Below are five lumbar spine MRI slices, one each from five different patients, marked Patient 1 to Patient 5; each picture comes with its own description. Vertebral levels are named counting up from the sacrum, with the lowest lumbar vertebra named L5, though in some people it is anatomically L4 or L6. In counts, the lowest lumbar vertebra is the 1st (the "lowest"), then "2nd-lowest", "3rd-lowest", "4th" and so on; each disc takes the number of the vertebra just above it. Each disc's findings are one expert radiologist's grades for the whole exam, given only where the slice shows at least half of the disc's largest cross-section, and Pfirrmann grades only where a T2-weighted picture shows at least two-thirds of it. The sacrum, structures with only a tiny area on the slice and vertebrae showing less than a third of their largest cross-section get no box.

Patient 1 of 5:
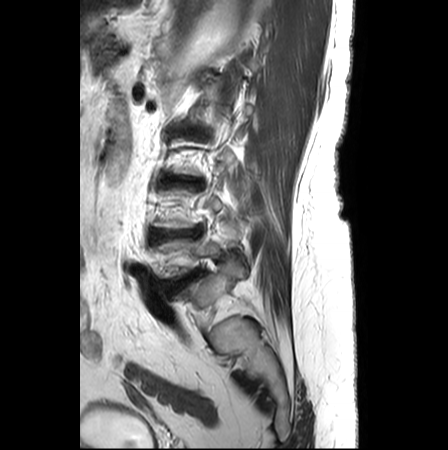

MRI lumbar spine (T2-weighted), sagittal plane, Patient sex: F, Image 448x450, Field of view 280x281 mm

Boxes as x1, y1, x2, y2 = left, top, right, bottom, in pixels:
- L3/L4 at 167, 177, 200, 186
- L5 vertebra at 152, 239, 221, 279
- L5/S1 at 163, 270, 201, 294
- L4/L5 at 150, 227, 202, 242

Degenerative findings by level:
- L4/L5: Pfirrmann grade 3, upper-endplate change, disc bulging, Modic type II, lower-endplate change, disc narrowing
- L5/S1: Pfirrmann grade 5, lower-endplate change, disc narrowing, upper-endplate change, Modic type II, disc bulging

Patient 2 of 5:
MRI lumbar spine (T1-weighted), sagittal plane, Patient sex: F
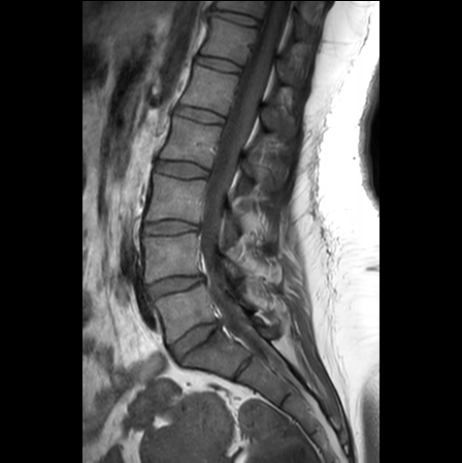 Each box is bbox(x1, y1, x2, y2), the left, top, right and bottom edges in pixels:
spinal canal: bbox(199, 1, 288, 370)
L1: bbox(182, 65, 292, 128)
L4 vertebra: bbox(142, 232, 242, 281)
disc T12/L1: bbox(197, 55, 240, 71)
L1/L2: bbox(177, 106, 223, 122)
L3/L4: bbox(144, 220, 197, 233)
disc L5/S1: bbox(171, 321, 219, 360)
T12 vertebra: bbox(202, 16, 290, 81)
L5: bbox(156, 284, 256, 342)
disc L4/L5: bbox(147, 275, 202, 297)
T11/T12: bbox(216, 9, 258, 25)
L3: bbox(145, 173, 244, 243)
disc L2/L3: bbox(158, 160, 207, 176)
T11: bbox(218, 1, 304, 36)
L2: bbox(161, 117, 280, 193)

Radiological gradings:
  L5/S1: disc bulging, disc narrowing
  L4/L5: disc bulging, disc narrowing
  T11/T12, L3/L4, L2/L3, T12/L1, L1/L2: no herniation, bulging, narrowing, spondylolisthesis, endplate or Modic change recorded

Patient 3 of 5:
Slice 12/30. Slice spacing 3.3 mm. MRI lumbar spine (T2-weighted), sagittal plane.
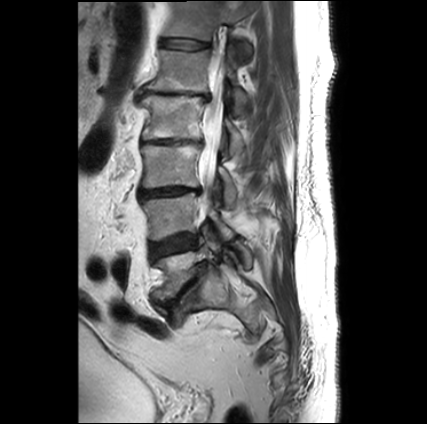 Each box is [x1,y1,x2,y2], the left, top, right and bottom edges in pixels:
4th disc: [142,139,189,143]
3rd-lowest disc: [140,187,201,197]
5th disc: [141,86,210,100]
5th vertebra: [148,49,250,111]
3rd-lowest vertebra: [141,143,236,203]
6th disc: [160,39,207,49]
2nd-lowest vertebra: [141,193,233,240]
4th vertebra: [139,95,244,152]
lowest vertebra: [152,232,252,300]
spinal canal: [199,54,225,213]
6th vertebra: [164,1,253,59]
lowest disc: [157,261,207,312]
2nd-lowest disc: [150,234,196,258]

Radiological gradings:
- 6th disc: Pfirrmann grade 2
- lowest disc: Pfirrmann grade 5, disc narrowing, lower-endplate change, Modic type II, upper-endplate change, disc bulging, spondylolisthesis
- 5th disc: Pfirrmann grade 5, disc bulging, disc narrowing, lower-endplate change, upper-endplate change, Modic type II, disc herniation
- 2nd-lowest disc: Pfirrmann grade 3, Modic type II
- 3rd-lowest disc: Pfirrmann grade 5, disc bulging, lower-endplate change, disc narrowing, upper-endplate change, Modic type II

Patient 4 of 5:
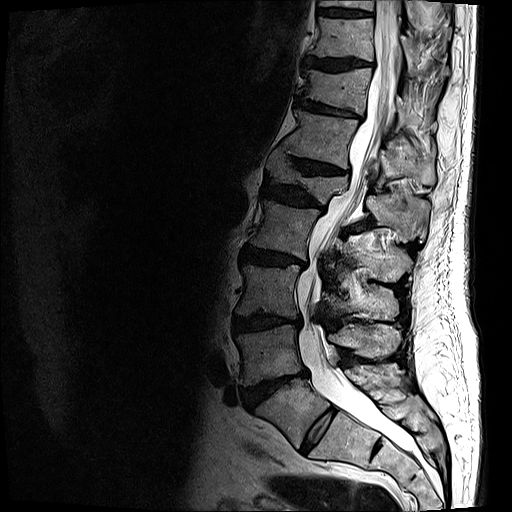

Slice 11 of 19. Patient sex: M. MRI lumbar spine (T2-weighted), sagittal plane.

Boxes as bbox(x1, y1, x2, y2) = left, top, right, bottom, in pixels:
Segmented structures:
* L2 — bbox(250, 199, 412, 282)
* L3 vertebra — bbox(236, 265, 398, 319)
* T12/L1 — bbox(277, 144, 348, 174)
* T10 — bbox(309, 17, 415, 74)
* IVD T10/T11 — bbox(304, 56, 370, 71)
* L1/L2 — bbox(262, 182, 324, 210)
* IVD L5/S1 — bbox(300, 407, 336, 453)
* T11/T12 — bbox(296, 97, 360, 118)
* L3/L4 — bbox(233, 314, 301, 332)
* L5 vertebra — bbox(256, 362, 402, 447)
* T12 vertebra — bbox(283, 109, 435, 186)
* L2/L3 — bbox(240, 247, 307, 268)
* L4 vertebra — bbox(235, 323, 402, 386)
* T9 vertebra — bbox(319, 0, 417, 25)
* T11 vertebra — bbox(298, 67, 435, 128)
* L1 vertebra — bbox(266, 152, 430, 241)
* thecal sac / spinal canal — bbox(297, 0, 413, 452)
* IVD L4/L5 — bbox(241, 369, 308, 409)
* IVD T9/T10 — bbox(317, 8, 369, 16)

Per-level radiological findings:
- L5/S1: Pfirrmann grade 2
- T9/T10: Pfirrmann grade 3, lower-endplate change
- L2/L3: Pfirrmann grade 4, upper-endplate change, Modic type II, lower-endplate change, disc bulging, disc narrowing
- T11/T12: Pfirrmann grade 4, upper-endplate change, lower-endplate change, disc narrowing, disc bulging
- T12/L1: Pfirrmann grade 4, disc narrowing, disc bulging, upper-endplate change, lower-endplate change
- L3/L4: Pfirrmann grade 4, lower-endplate change, disc narrowing, upper-endplate change, disc bulging
- T10/T11: Pfirrmann grade 4, lower-endplate change, disc bulging, upper-endplate change
- L4/L5: Pfirrmann grade 5, disc bulging, upper-endplate change, lower-endplate change, Modic type II, disc narrowing, disc herniation
- L1/L2: Pfirrmann grade 4, disc narrowing, lower-endplate change, upper-endplate change, disc bulging

Patient 5 of 5:
MRI lumbar spine (T2-weighted), sagittal plane.

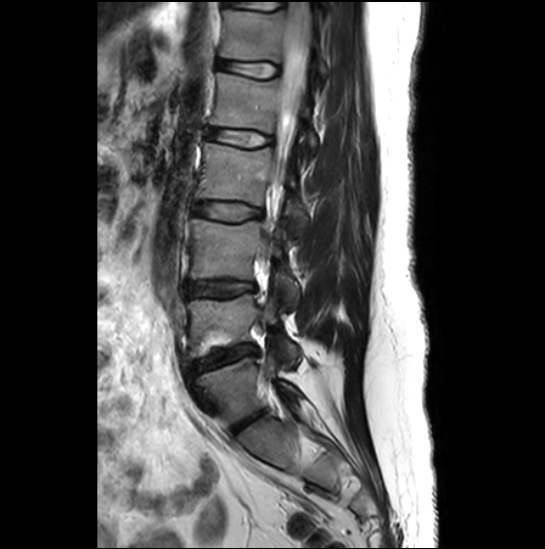
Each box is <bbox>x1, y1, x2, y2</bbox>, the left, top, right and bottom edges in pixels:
4th vertebra at <bbox>195, 142, 309, 235</bbox>, 2nd-lowest disc at <bbox>195, 345, 258, 372</bbox>, 5th disc at <bbox>207, 128, 271, 146</bbox>, lowest vertebra at <bbox>197, 356, 301, 423</bbox>, 5th vertebra at <bbox>209, 74, 319, 158</bbox>, 4th disc at <bbox>192, 202, 261, 220</bbox>, 6th vertebra at <bbox>220, 9, 327, 81</bbox>, 3rd-lowest vertebra at <bbox>190, 220, 299, 309</bbox>, spinal canal at <bbox>274, 0, 310, 184</bbox>, 2nd-lowest vertebra at <bbox>187, 294, 301, 365</bbox>, lowest disc at <bbox>231, 411, 263, 434</bbox>, 3rd-lowest disc at <bbox>186, 281, 253, 297</bbox>, 6th disc at <bbox>217, 59, 279, 77</bbox>.

Degenerative findings by level:
  6th disc: Pfirrmann grade 1
  4th disc: Pfirrmann grade 4
  5th disc: Pfirrmann grade 1
  3rd-lowest disc: Pfirrmann grade 2
  2nd-lowest disc: disc herniation, disc narrowing, Modic type II, lower-endplate change, upper-endplate change